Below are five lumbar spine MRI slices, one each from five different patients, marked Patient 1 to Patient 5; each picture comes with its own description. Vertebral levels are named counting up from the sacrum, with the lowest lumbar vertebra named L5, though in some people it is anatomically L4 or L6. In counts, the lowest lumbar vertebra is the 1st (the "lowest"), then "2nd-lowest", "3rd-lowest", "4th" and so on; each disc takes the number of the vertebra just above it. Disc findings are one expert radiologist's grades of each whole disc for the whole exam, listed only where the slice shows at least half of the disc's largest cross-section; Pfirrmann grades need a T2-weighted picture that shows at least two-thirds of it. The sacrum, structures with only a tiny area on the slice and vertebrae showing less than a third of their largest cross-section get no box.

Patient 1 of 5:
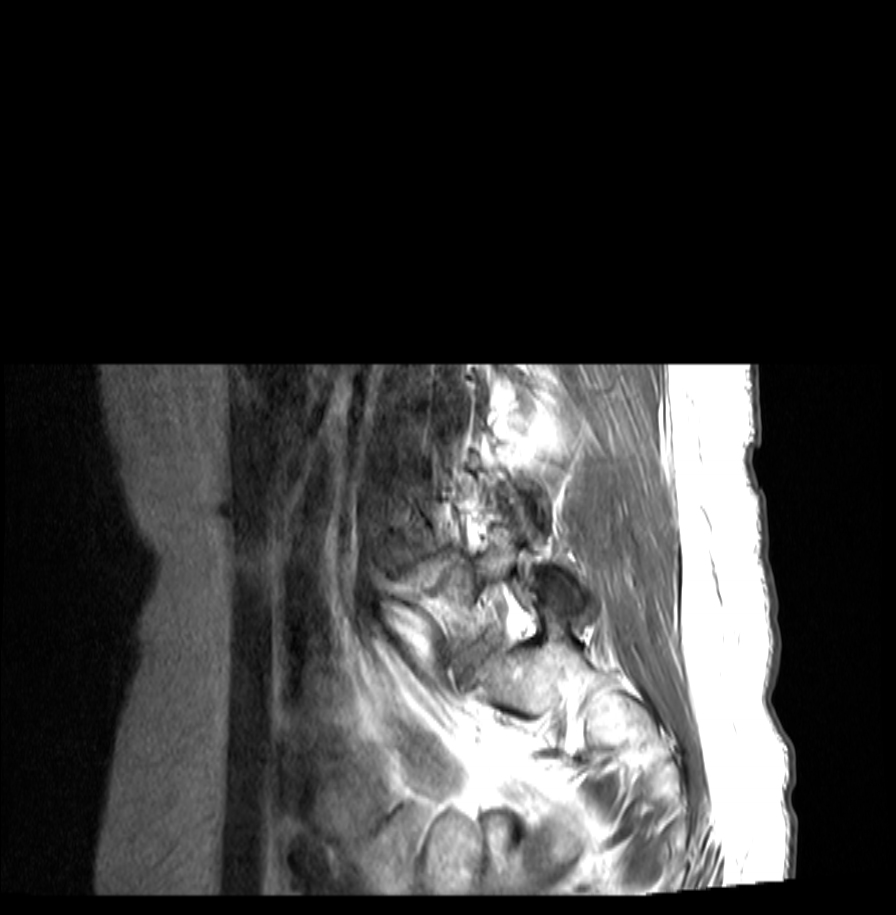

Image 896x915; Field of view 280x286 mm, slice spacing 4.3 mm; Slice 19 of 23; Patient sex: F; Lumbar spine MR, T1-weighted, sagittal
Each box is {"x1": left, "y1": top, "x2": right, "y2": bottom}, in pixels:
L5 — {"x1": 409, "y1": 506, "x2": 579, "y2": 655}.
Disc L5/S1 — {"x1": 451, "y1": 631, "x2": 501, "y2": 678}.
L4/L5 — {"x1": 409, "y1": 534, "x2": 450, "y2": 558}.

Patient 2 of 5:
Lumbar spine MR, T1-weighted, sagittal.
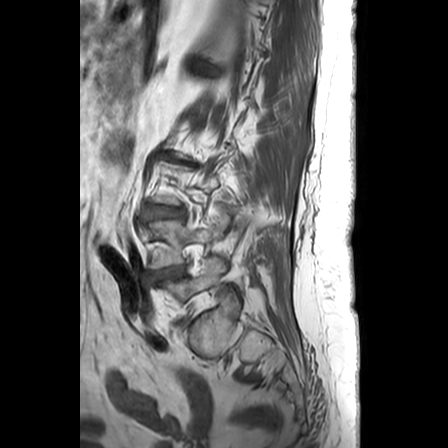
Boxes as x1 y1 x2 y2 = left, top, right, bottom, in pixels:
2nd-lowest disc: 156 267 183 278.
Lowest vertebra: 161 257 228 301.
3rd-lowest disc: 153 206 181 216.
4th disc: 157 153 199 167.

Patient 3 of 5:
Image 512x640 | Field of view 240x300 mm, slice spacing 0.9 mm | MRI lumbar spine (T2 SPACE (3D)), sagittal plane | Sex M

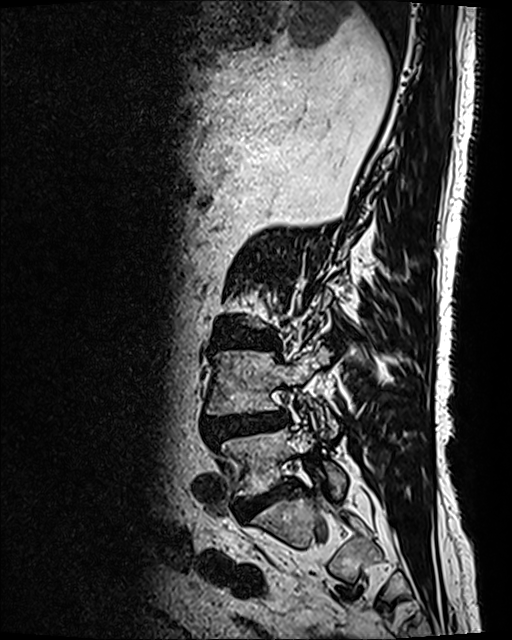
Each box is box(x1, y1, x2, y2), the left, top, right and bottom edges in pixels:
Lowest vertebra: box(221, 423, 346, 496).
2nd-lowest vertebra: box(206, 347, 330, 433).
Lowest disc: box(243, 480, 293, 513).
3rd-lowest disc: box(211, 328, 278, 351).
2nd-lowest disc: box(203, 411, 287, 445).

Per-level radiological findings:
- 3rd-lowest disc: Pfirrmann grade 4, disc bulging, lower-endplate change, upper-endplate change
- 2nd-lowest disc: Pfirrmann grade 4, disc bulging, disc narrowing, disc herniation, upper-endplate change, Modic type II, spondylolisthesis, lower-endplate change

Patient 4 of 5:
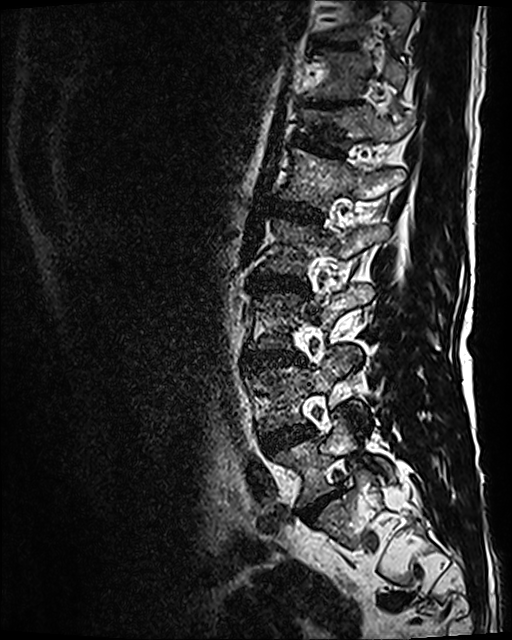
Slice 82/120, Sex M, Lumbar spine MR, T2 SPACE (3D), sagittal

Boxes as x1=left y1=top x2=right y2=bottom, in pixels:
T12 at x1=303 y1=107 x2=413 y2=148, L4 vertebra at x1=258 y1=346 x2=359 y2=430, disc L2/L3 at x1=251 y1=273 x2=307 y2=290, L1/L2 at x1=273 y1=199 x2=321 y2=223, L1 at x1=281 y1=149 x2=405 y2=210, disc T12/L1 at x1=297 y1=135 x2=343 y2=155, disc T10/T11 at x1=323 y1=42 x2=352 y2=48, L5 vertebra at x1=274 y1=417 x2=392 y2=505, T11 vertebra at x1=310 y1=53 x2=405 y2=99, disc L5/S1 at x1=300 y1=491 x2=338 y2=522, disc L3/L4 at x1=246 y1=350 x2=303 y2=365, L4/L5 at x1=262 y1=426 x2=313 y2=451, disc T11/T12 at x1=317 y1=101 x2=349 y2=106, L2 at x1=261 y1=220 x2=389 y2=276.

Per-level radiological findings:
  L2/L3: Modic type II, disc bulging
  L4/L5: disc bulging, Modic type II
  L3/L4: disc bulging, Modic type II, disc narrowing
  L1/L2: no Modic or endplate change, herniation, narrowing, bulging or spondylolisthesis recorded

Patient 5 of 5:
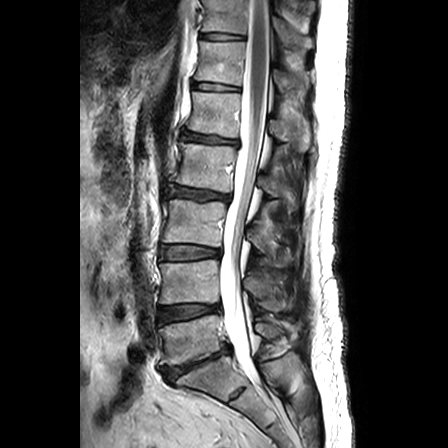

Sex M; Lumbar spine MR, T2-weighted, sagittal; Image 448x448
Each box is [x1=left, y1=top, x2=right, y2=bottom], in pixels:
L5 vertebra at [x1=159, y1=315, x2=300, y2=365], T12/L1 at [x1=193, y1=82, x2=237, y2=90], T11 at [x1=203, y1=0, x2=313, y2=50], L3 at [x1=162, y1=198, x2=290, y2=265], L2 vertebra at [x1=176, y1=142, x2=296, y2=210], L1/L2 at [x1=183, y1=132, x2=237, y2=143], L4 vertebra at [x1=159, y1=260, x2=287, y2=310], spinal canal at [x1=219, y1=0, x2=269, y2=380], L5/S1 at [x1=161, y1=343, x2=229, y2=381], L3/L4 at [x1=161, y1=246, x2=219, y2=259], L1 at [x1=188, y1=92, x2=311, y2=151], L2/L3 at [x1=168, y1=186, x2=229, y2=201], T12 at [x1=195, y1=41, x2=309, y2=92], T11/T12 at [x1=201, y1=33, x2=243, y2=39], L4/L5 at [x1=159, y1=304, x2=219, y2=322].

Per-level radiological findings:
  L5/S1: Pfirrmann grade 5, upper-endplate change, lower-endplate change, disc narrowing, Modic type II, disc bulging, spondylolisthesis, disc herniation
  L3/L4: Pfirrmann grade 2, disc bulging
  T11/T12: Pfirrmann grade 1
  T12/L1: Pfirrmann grade 1
  L4/L5: Pfirrmann grade 3, disc bulging, disc narrowing
  L1/L2: Pfirrmann grade 3, disc bulging, Modic type II, lower-endplate change, upper-endplate change
  L2/L3: Pfirrmann grade 3, disc bulging